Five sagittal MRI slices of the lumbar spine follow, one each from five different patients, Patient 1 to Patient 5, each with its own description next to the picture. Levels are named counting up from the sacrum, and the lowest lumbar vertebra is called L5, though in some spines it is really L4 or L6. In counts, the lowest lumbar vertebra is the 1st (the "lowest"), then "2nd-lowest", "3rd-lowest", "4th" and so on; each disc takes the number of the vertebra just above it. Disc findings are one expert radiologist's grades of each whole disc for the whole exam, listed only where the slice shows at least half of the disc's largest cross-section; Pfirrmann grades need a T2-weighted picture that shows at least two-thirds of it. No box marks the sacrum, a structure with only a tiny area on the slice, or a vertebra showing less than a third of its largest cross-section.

Patient 1 of 5:
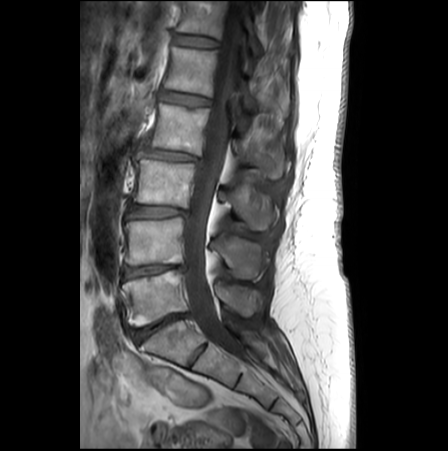 T1-weighted sagittal MRI of the lumbar spine. 448x451 px. Sex F.
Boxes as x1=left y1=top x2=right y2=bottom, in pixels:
L3/L4 (3rd-lowest disc) at x1=127 y1=205 x2=186 y2=218, thecal sac / spinal canal at x1=182 y1=0 x2=240 y2=352, T12/L1 (6th disc) at x1=173 y1=33 x2=219 y2=47, L4/L5 (2nd-lowest disc) at x1=122 y1=265 x2=184 y2=279, L3 (3rd-lowest vertebra) at x1=135 y1=159 x2=277 y2=229, L4 (2nd-lowest vertebra) at x1=124 y1=217 x2=265 y2=277, intervertebral disc L1/L2 (5th disc) at x1=160 y1=91 x2=210 y2=105, T12 (6th vertebra) at x1=177 y1=0 x2=262 y2=57, L5 (lowest vertebra) at x1=123 y1=269 x2=260 y2=326, L2/L3 (4th disc) at x1=144 y1=147 x2=199 y2=161, L5/S1 (lowest disc) at x1=132 y1=313 x2=187 y2=343, L1 (5th vertebra) at x1=164 y1=47 x2=287 y2=111, L2 (4th vertebra) at x1=150 y1=104 x2=289 y2=178.

Radiological gradings:
- L4/L5 (2nd-lowest disc): Modic type II, disc narrowing, upper-endplate change, disc bulging
- L2/L3 (4th disc): disc bulging, disc narrowing
- L5/S1 (lowest disc): disc bulging, Modic type II, disc narrowing
- L3/L4 (3rd-lowest disc): Modic type II, disc bulging
- T12/L1 (6th disc), L1/L2 (5th disc): no Modic or endplate change, herniation, narrowing, bulging or spondylolisthesis recorded

Patient 2 of 5:
Sagittal T2-weighted lumbar spine MRI, Patient sex: F, Field of view 286x285 mm, 352x351 px 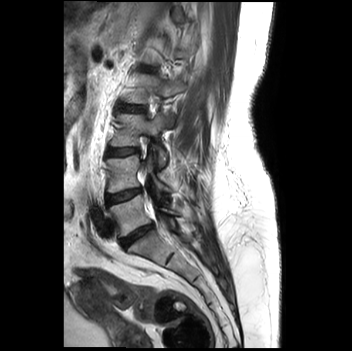

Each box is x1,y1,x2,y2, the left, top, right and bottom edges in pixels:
Structures:
• intervertebral disc L5/S1 — 120,224,153,248
• intervertebral disc L4/L5 — 106,187,141,205
• L2 — 123,73,184,126
• L4 — 106,156,172,192
• L2/L3 — 117,104,145,111
• L5 — 108,195,195,236
• intervertebral disc L3/L4 — 106,148,138,156
• L3 vertebra — 111,112,167,169

Radiological gradings:
- L4/L5: Pfirrmann grade 2
- L5/S1: Pfirrmann grade 4, upper-endplate change, disc narrowing, lower-endplate change, Modic type II
- L3/L4: no spondylolisthesis, narrowing, bulging, herniation, Modic or endplate change recorded

Patient 3 of 5:
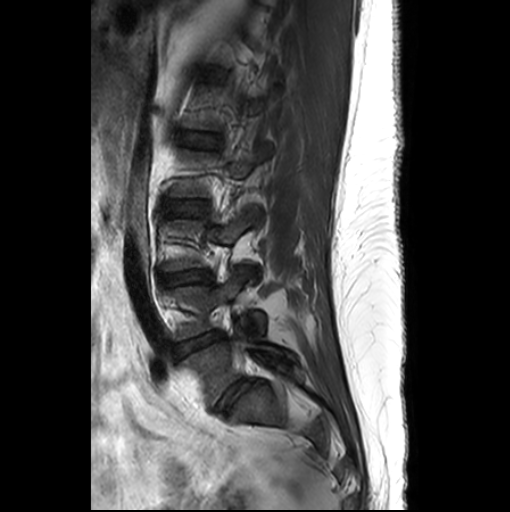 510x512 px, Field of view 280x281 mm, slice spacing 3.3 mm, Patient sex: F, Lumbar spine MR, T2-weighted, sagittal

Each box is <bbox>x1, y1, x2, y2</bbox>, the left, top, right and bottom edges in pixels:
Structures:
- L2/L3: <bbox>171, 200, 207, 215</bbox>
- disc L4/L5: <bbox>175, 331, 222, 356</bbox>
- disc L3/L4: <bbox>164, 270, 209, 284</bbox>
- L1/L2: <bbox>181, 132, 215, 147</bbox>
- disc L5/S1: <bbox>216, 380, 253, 411</bbox>
- L4 vertebra: <bbox>171, 270, 265, 339</bbox>
- L5 vertebra: <bbox>180, 330, 290, 405</bbox>

Per-level radiological findings:
  L4/L5: disc bulging, disc narrowing
  L3/L4: disc narrowing, disc bulging
  L1/L2: no Modic or endplate change, herniation, narrowing, bulging or spondylolisthesis recorded

Patient 4 of 5:
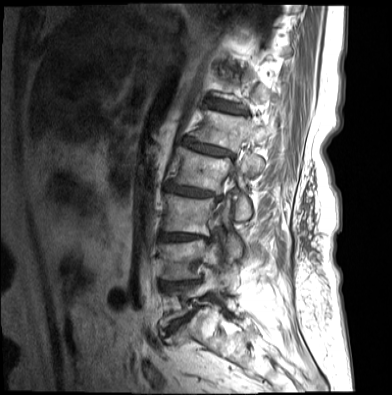 Sagittal T1-weighted lumbar spine MRI, Slice spacing 4.4 mm, 392x395 px
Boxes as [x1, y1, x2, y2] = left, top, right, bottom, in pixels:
L2 (4th vertebra) = [167, 147, 264, 220].
IVD L2/L3 (4th disc) = [165, 181, 220, 198].
L3 (3rd-lowest vertebra) = [163, 193, 241, 256].
L5 (lowest vertebra) = [161, 271, 221, 325].
T12/L1 (6th disc) = [212, 99, 242, 113].
L1/L2 (5th disc) = [181, 137, 233, 157].
L4 (2nd-lowest vertebra) = [158, 238, 221, 280].
L3/L4 (3rd-lowest disc) = [159, 232, 206, 241].
L4/L5 (2nd-lowest disc) = [161, 281, 188, 288].
L1 (5th vertebra) = [190, 110, 269, 151].
IVD L5/S1 (lowest disc) = [166, 314, 190, 333].

Per-level radiological findings:
  L3/L4 (3rd-lowest disc): lower-endplate change, disc narrowing, disc bulging, Modic type II, upper-endplate change
  L2/L3 (4th disc): Modic type II, lower-endplate change, disc narrowing, disc bulging, upper-endplate change, disc herniation
  L1/L2 (5th disc): disc narrowing, disc bulging, upper-endplate change, Modic type II, lower-endplate change
  T12/L1 (6th disc): lower-endplate change, Modic type II, disc bulging, disc narrowing, upper-endplate change

Patient 5 of 5:
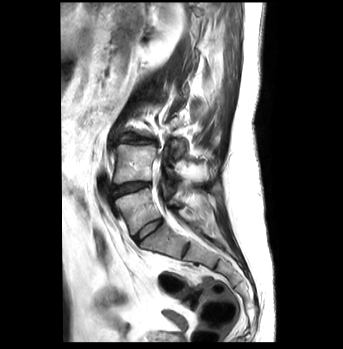

Slice 27 of 43; Sagittal T2-weighted lumbar spine MRI

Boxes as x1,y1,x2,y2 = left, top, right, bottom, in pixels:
IVD L3/L4 (3rd-lowest disc) at 120,133,156,144.
Spinal canal at 153,171,162,205.
L5/S1 (lowest disc) at 133,218,162,241.
L4 (2nd-lowest vertebra) at 114,144,176,184.
L5 (lowest vertebra) at 115,188,180,234.
IVD L4/L5 (2nd-lowest disc) at 112,181,149,197.

Degenerative findings by level:
  L4/L5 (2nd-lowest disc): Pfirrmann grade 4, disc bulging, lower-endplate change, Modic type II, disc narrowing
  L3/L4 (3rd-lowest disc): Pfirrmann grade 3, disc bulging, Modic type II
  L5/S1 (lowest disc): Pfirrmann grade 1